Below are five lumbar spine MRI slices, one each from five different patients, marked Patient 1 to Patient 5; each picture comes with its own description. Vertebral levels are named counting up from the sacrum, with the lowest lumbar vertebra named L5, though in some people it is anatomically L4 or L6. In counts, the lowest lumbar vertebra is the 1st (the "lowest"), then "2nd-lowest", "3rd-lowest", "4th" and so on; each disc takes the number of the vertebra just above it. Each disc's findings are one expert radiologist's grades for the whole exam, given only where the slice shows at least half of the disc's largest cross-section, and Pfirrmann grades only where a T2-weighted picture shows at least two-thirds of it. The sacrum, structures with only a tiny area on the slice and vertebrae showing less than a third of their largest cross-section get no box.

Patient 1 of 5:
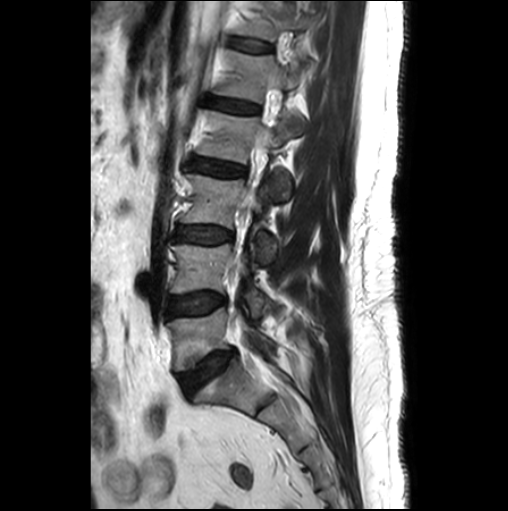

Lumbar spine MR, T2-weighted, sagittal, Sagittal slice index 9, Patient sex: M, Field of view 280x281 mm
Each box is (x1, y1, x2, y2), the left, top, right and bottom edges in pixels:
Segmented structures:
- L5: (168, 308, 272, 370)
- spinal canal: (250, 132, 270, 202)
- L1/L2: (207, 97, 258, 112)
- L2/L3: (189, 157, 245, 176)
- L3 vertebra: (180, 174, 276, 267)
- T12/L1: (230, 39, 271, 51)
- L2 vertebra: (197, 111, 291, 199)
- L4/L5: (168, 294, 226, 316)
- L4: (171, 244, 270, 315)
- L1 vertebra: (216, 50, 304, 135)
- L5/S1: (180, 350, 234, 394)
- intervertebral disc L3/L4: (175, 227, 232, 243)
- T12 vertebra: (236, 1, 314, 40)

Degenerative findings by level:
• L2/L3: Pfirrmann grade 3
• L5/S1: Pfirrmann grade 3, Modic type II, disc bulging
• L1/L2: Pfirrmann grade 2
• L4/L5: Pfirrmann grade 2, Modic type II
• L3/L4: Pfirrmann grade 2
• T12/L1: no Modic or endplate change, herniation, narrowing, bulging or spondylolisthesis recorded

Patient 2 of 5:
Lumbar spine MR, T2-weighted, sagittal; Sex F

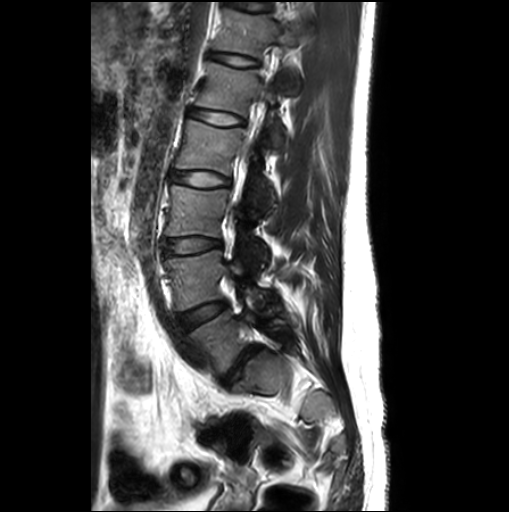 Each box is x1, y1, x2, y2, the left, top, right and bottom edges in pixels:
L2 vertebra at 175, 120, 274, 217.
L4 vertebra at 164, 250, 280, 315.
L5 vertebra at 189, 309, 286, 372.
IVD L1/L2 at 190, 108, 243, 125.
IVD L3/L4 at 160, 237, 221, 260.
L3 vertebra at 166, 184, 267, 271.
L1 vertebra at 196, 62, 283, 145.
T12 vertebra at 213, 9, 300, 94.
IVD L4/L5 at 176, 300, 226, 329.
L5/S1 at 221, 345, 259, 387.
T12/L1 at 210, 52, 258, 66.
IVD L2/L3 at 169, 171, 230, 186.

Degenerative findings by level:
• L4/L5: Pfirrmann grade 1, disc bulging
• L1/L2: Pfirrmann grade 1
• L2/L3: Pfirrmann grade 1
• L3/L4: Pfirrmann grade 1, disc bulging
• L5/S1: disc bulging, upper-endplate change, lower-endplate change
• T12/L1: Pfirrmann grade 1

Patient 3 of 5:
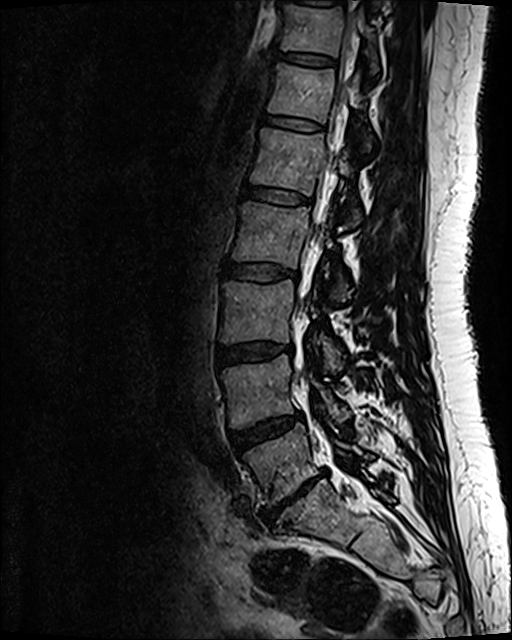 Patient sex: F; Sagittal T2 SPACE (3D) lumbar spine MRI; Slice 48/120

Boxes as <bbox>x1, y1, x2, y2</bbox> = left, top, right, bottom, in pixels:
L2/L3 at <bbox>224, 262, 298, 280</bbox>, T11 vertebra at <bbox>282, 5, 378, 69</bbox>, T11/T12 at <bbox>273, 50, 334, 65</bbox>, L3/L4 at <bbox>218, 342, 292, 365</bbox>, L1 vertebra at <bbox>251, 128, 361, 225</bbox>, spinal canal at <bbox>296, 134, 340, 378</bbox>, L1/L2 at <bbox>244, 186, 311, 204</bbox>, L3 vertebra at <bbox>221, 281, 342, 370</bbox>, T12 vertebra at <bbox>269, 64, 371, 146</bbox>, L5/S1 at <bbox>263, 472, 324, 524</bbox>, T12/L1 at <bbox>264, 116, 321, 131</bbox>, L2 at <bbox>233, 203, 346, 297</bbox>, L5 vertebra at <bbox>243, 425, 371, 505</bbox>, L4/L5 at <bbox>230, 413, 300, 449</bbox>, L4 at <bbox>223, 354, 347, 426</bbox>.

Radiological gradings:
  L4/L5: Pfirrmann grade 3, disc bulging
  L3/L4: Pfirrmann grade 2, disc bulging
  L2/L3: Pfirrmann grade 2
  T12/L1: Pfirrmann grade 2
  L1/L2: Pfirrmann grade 2
  T11/T12: Pfirrmann grade 2
  L5/S1: disc bulging, Modic type III, lower-endplate change, disc herniation, upper-endplate change, disc narrowing

Patient 4 of 5:
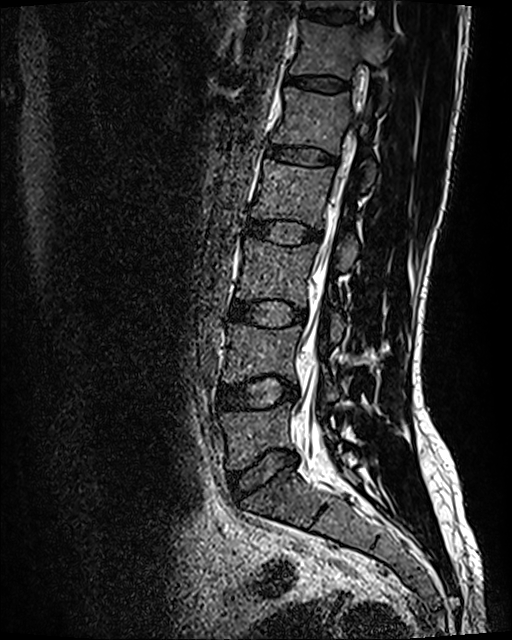

T2 SPACE (3D) sagittal MRI of the lumbar spine; Slice 48 of 120; Patient sex: M
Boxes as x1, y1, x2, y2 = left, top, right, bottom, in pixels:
• T11/T12 (7th disc): 301, 7, 355, 23
• L4/L5 (2nd-lowest disc): 219, 377, 297, 410
• thecal sac / spinal canal: 299, 155, 350, 461
• IVD L3/L4 (3rd-lowest disc): 229, 301, 305, 327
• L3 (3rd-lowest vertebra): 236, 237, 345, 341
• IVD T12/L1 (6th disc): 287, 75, 348, 91
• L4 (2nd-lowest vertebra): 223, 324, 339, 399
• IVD L1/L2 (5th disc): 268, 145, 336, 166
• L5 (lowest vertebra): 220, 402, 336, 469
• L2/L3 (4th disc): 244, 218, 320, 244
• T12 (6th vertebra): 290, 20, 390, 102
• L2 (4th vertebra): 252, 159, 358, 271
• L1 (5th vertebra): 272, 88, 376, 184
• L5/S1 (lowest disc): 228, 450, 297, 500

Radiological gradings:
  L5/S1 (lowest disc): Pfirrmann grade 2, disc bulging
  T12/L1 (6th disc): Pfirrmann grade 2
  L1/L2 (5th disc): Pfirrmann grade 2
  L4/L5 (2nd-lowest disc): Pfirrmann grade 2, disc bulging
  L3/L4 (3rd-lowest disc): Pfirrmann grade 2, disc bulging
  T11/T12 (7th disc): Pfirrmann grade 2
  L2/L3 (4th disc): Pfirrmann grade 2

Patient 5 of 5:
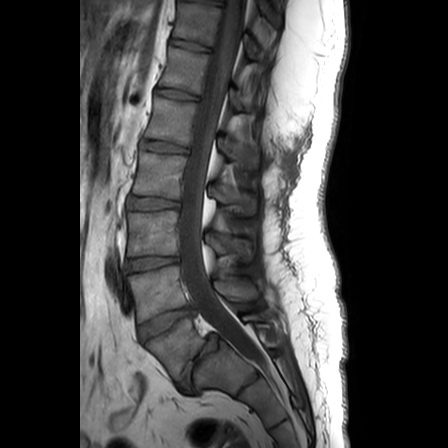 Sagittal T1-weighted lumbar spine MRI, Slice spacing 3.3 mm

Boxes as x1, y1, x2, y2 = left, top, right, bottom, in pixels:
Disc L1/L2 at 145, 141, 187, 154; T11/T12 at 171, 39, 208, 50; disc L5/S1 at 178, 334, 220, 388; L5 at 146, 313, 273, 380; T11 at 173, 3, 255, 58; T12 at 160, 47, 242, 109; L4 at 129, 266, 258, 321; L1 at 146, 97, 258, 167; spinal canal at 178, 0, 266, 368; L3 vertebra at 127, 211, 252, 260; T12/L1 at 157, 89, 198, 99; L2/L3 at 127, 197, 179, 209; L2 at 133, 152, 255, 214; L4/L5 at 139, 307, 193, 340; disc L3/L4 at 128, 256, 177, 272.

Expert MSK radiologist gradings (per disc):
- L4/L5: disc bulging
- L5/S1: lower-endplate change, disc bulging, spondylolisthesis, disc narrowing
- T12/L1, L1/L2, L2/L3, T11/T12, L3/L4: no herniation, bulging, narrowing, spondylolisthesis, endplate or Modic change recorded